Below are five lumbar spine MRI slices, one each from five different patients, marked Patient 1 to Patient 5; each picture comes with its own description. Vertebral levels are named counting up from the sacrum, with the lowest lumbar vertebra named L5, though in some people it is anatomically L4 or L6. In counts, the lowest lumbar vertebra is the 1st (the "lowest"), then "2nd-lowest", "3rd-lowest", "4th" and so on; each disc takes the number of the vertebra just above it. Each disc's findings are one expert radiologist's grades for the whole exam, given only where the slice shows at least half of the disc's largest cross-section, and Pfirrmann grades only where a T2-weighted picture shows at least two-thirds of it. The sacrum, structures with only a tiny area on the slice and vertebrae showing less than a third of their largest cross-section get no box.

Patient 1 of 5:
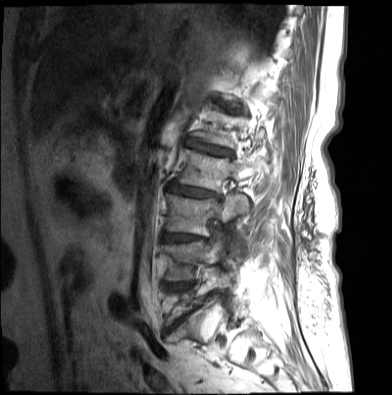 Field of view 280x282 mm | T1-weighted sagittal MRI of the lumbar spine
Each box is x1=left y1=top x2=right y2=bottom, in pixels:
3rd-lowest vertebra: x1=166 y1=193 x2=248 y2=236.
3rd-lowest disc: x1=162 y1=232 x2=204 y2=242.
5th disc: x1=185 y1=138 x2=232 y2=156.
4th vertebra: x1=175 y1=149 x2=260 y2=191.
4th disc: x1=167 y1=182 x2=218 y2=197.
2nd-lowest vertebra: x1=162 y1=234 x2=227 y2=280.

Per-level radiological findings:
- 5th disc: lower-endplate change, disc narrowing, disc bulging, upper-endplate change, Modic type II
- 3rd-lowest disc: disc narrowing, Modic type II, disc bulging, lower-endplate change, upper-endplate change
- 4th disc: upper-endplate change, disc narrowing, disc bulging, Modic type II, disc herniation, lower-endplate change

Patient 2 of 5:
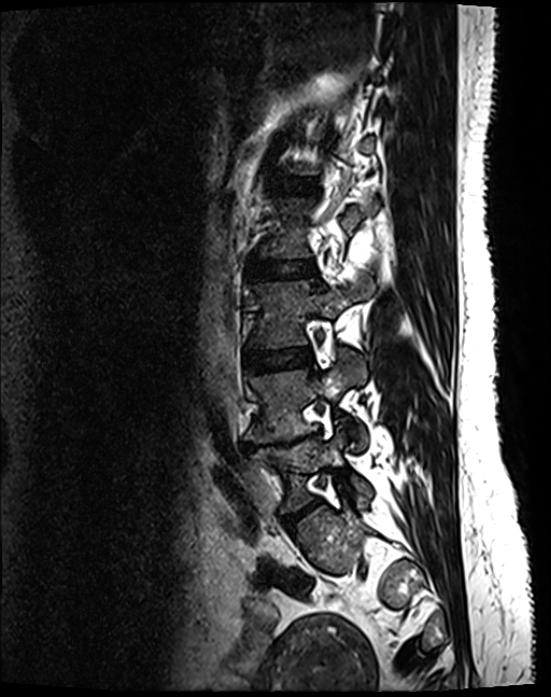 MRI lumbar spine (T2 SPACE (3D)), sagittal plane, 551x697 px
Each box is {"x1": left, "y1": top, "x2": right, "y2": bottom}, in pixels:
IVD L2/L3 — {"x1": 248, "y1": 260, "x2": 314, "y2": 277}.
L4/L5 — {"x1": 242, "y1": 432, "x2": 318, "y2": 450}.
L3 — {"x1": 251, "y1": 277, "x2": 375, "y2": 348}.
IVD L3/L4 — {"x1": 244, "y1": 349, "x2": 310, "y2": 371}.
L5 vertebra — {"x1": 251, "y1": 434, "x2": 371, "y2": 511}.
L4 — {"x1": 245, "y1": 354, "x2": 367, "y2": 448}.
IVD L1/L2 — {"x1": 272, "y1": 179, "x2": 314, "y2": 191}.
L5/S1 — {"x1": 283, "y1": 499, "x2": 320, "y2": 524}.

Per-level radiological findings:
  L2/L3: Pfirrmann grade 2
  L3/L4: Pfirrmann grade 2

Patient 3 of 5:
512x512 px, Sagittal slice index 11, MRI lumbar spine (T2-weighted), sagittal plane
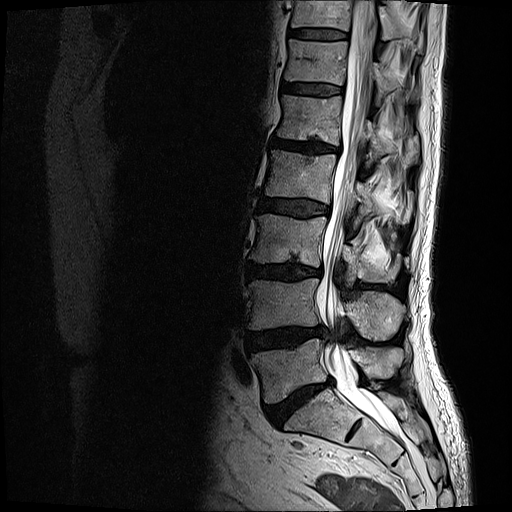

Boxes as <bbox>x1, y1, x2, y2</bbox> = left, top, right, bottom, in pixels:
T11 at <bbox>292, 0, 422, 46</bbox>, L5 vertebra at <bbox>252, 339, 399, 404</bbox>, disc T11/T12 at <bbox>291, 30, 347, 40</bbox>, disc L4/L5 at <bbox>246, 327, 324, 351</bbox>, L1/L2 at <bbox>270, 137, 339, 153</bbox>, L2 at <bbox>265, 149, 374, 220</bbox>, disc L5/S1 at <bbox>264, 380, 334, 427</bbox>, L3 vertebra at <bbox>250, 213, 399, 284</bbox>, T12/L1 at <bbox>282, 82, 341, 95</bbox>, L1 at <bbox>278, 94, 418, 163</bbox>, T12 vertebra at <bbox>285, 39, 394, 100</bbox>, L4 at <bbox>248, 279, 406, 340</bbox>, spinal canal at <bbox>316, 0, 396, 432</bbox>, disc L3/L4 at <bbox>247, 262, 323, 281</bbox>, disc L2/L3 at <bbox>258, 197, 329, 218</bbox>.

Radiological gradings:
  T12/L1: Pfirrmann grade 3
  L2/L3: Pfirrmann grade 3, disc bulging
  L1/L2: Pfirrmann grade 4, upper-endplate change, lower-endplate change, disc bulging, disc narrowing, Modic type II
  L3/L4: Pfirrmann grade 4, disc bulging, lower-endplate change, Modic type II, disc narrowing
  L4/L5: Pfirrmann grade 4, disc bulging, disc herniation
  T11/T12: Pfirrmann grade 3
  L5/S1: Pfirrmann grade 5, Modic type II, disc narrowing, lower-endplate change, disc bulging

Patient 4 of 5:
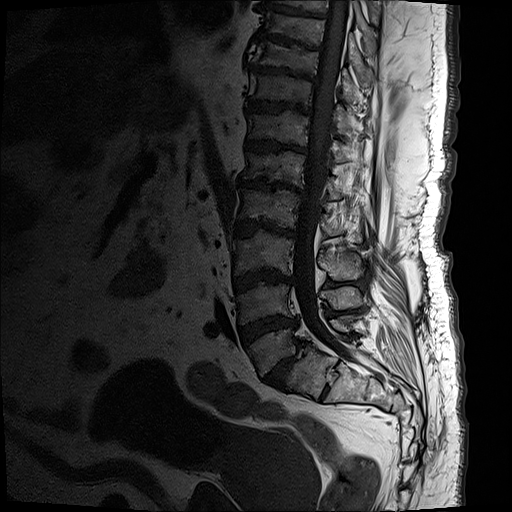 Sagittal slice index 9 | Lumbar spine MR, T1-weighted, sagittal

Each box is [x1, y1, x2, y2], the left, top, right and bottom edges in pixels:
Structures:
* L5 vertebra: [246, 312, 360, 375]
* T12: [246, 110, 351, 162]
* L2/L3: [235, 219, 295, 237]
* L4: [237, 283, 364, 323]
* T11/T12: [245, 98, 312, 114]
* disc T12/L1: [244, 138, 306, 153]
* T10/T11: [249, 64, 318, 84]
* T11: [247, 72, 362, 139]
* T10 vertebra: [251, 38, 359, 101]
* L2 vertebra: [237, 188, 365, 241]
* L5/S1: [264, 339, 305, 386]
* L1 vertebra: [240, 150, 342, 199]
* L4/L5: [237, 314, 296, 345]
* L3 vertebra: [229, 230, 364, 281]
* L1/L2: [235, 177, 305, 194]
* spinal canal: [293, 1, 359, 361]
* disc T9/T10: [255, 35, 320, 49]
* disc L3/L4: [231, 269, 290, 292]

Radiological gradings:
  L3/L4: disc bulging, upper-endplate change, Modic type II, lower-endplate change, disc narrowing
  L5/S1: lower-endplate change, disc bulging, disc narrowing, Modic type II, upper-endplate change, spondylolisthesis
  L4/L5: disc bulging, disc narrowing, Modic type II, lower-endplate change, upper-endplate change
  L2/L3: lower-endplate change, disc bulging, Modic type II, disc narrowing, upper-endplate change
  L1/L2: upper-endplate change, lower-endplate change, disc narrowing, disc bulging, Modic type II
  T10/T11: disc narrowing, upper-endplate change, Modic type II, disc bulging, lower-endplate change
  T11/T12: upper-endplate change, lower-endplate change, Modic type II, disc narrowing, disc bulging
  T9/T10: disc narrowing, upper-endplate change, disc bulging, Modic type II, lower-endplate change
  T12/L1: Modic type II, upper-endplate change, lower-endplate change, disc bulging, disc narrowing

Patient 5 of 5:
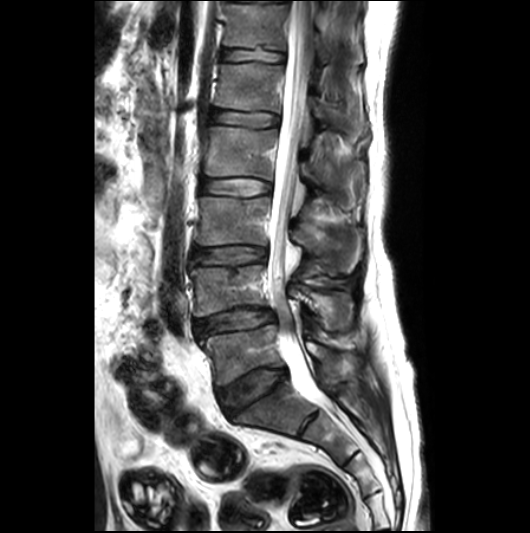 Lumbar spine MR, T2-weighted, sagittal, Slice 12 of 26, Sex M
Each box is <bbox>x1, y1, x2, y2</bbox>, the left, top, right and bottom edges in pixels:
Thecal sac / spinal canal at <bbox>268, 1, 326, 406</bbox>, disc L1/L2 at <bbox>209, 110, 278, 129</bbox>, disc T12/L1 at <bbox>221, 47, 284, 63</bbox>, disc L2/L3 at <bbox>201, 178, 270, 196</bbox>, L3 vertebra at <bbox>195, 196, 359, 272</bbox>, L4 vertebra at <bbox>190, 264, 352, 329</bbox>, L1 at <bbox>214, 63, 324, 118</bbox>, T12 at <bbox>225, 4, 330, 65</bbox>, L5/S1 at <bbox>217, 367, 286, 415</bbox>, disc L4/L5 at <bbox>194, 308, 274, 336</bbox>, L2 vertebra at <bbox>202, 126, 323, 194</bbox>, L3/L4 at <bbox>193, 246, 266, 264</bbox>, L5 at <bbox>200, 325, 363, 385</bbox>.

Expert MSK radiologist gradings (per disc):
• L1/L2: Pfirrmann grade 2
• L4/L5: Pfirrmann grade 3, disc bulging, Modic type II, disc narrowing, disc herniation
• T12/L1: Pfirrmann grade 2, lower-endplate change
• L5/S1: Pfirrmann grade 3, disc bulging
• L2/L3: Pfirrmann grade 2
• L3/L4: Pfirrmann grade 3, upper-endplate change, disc bulging